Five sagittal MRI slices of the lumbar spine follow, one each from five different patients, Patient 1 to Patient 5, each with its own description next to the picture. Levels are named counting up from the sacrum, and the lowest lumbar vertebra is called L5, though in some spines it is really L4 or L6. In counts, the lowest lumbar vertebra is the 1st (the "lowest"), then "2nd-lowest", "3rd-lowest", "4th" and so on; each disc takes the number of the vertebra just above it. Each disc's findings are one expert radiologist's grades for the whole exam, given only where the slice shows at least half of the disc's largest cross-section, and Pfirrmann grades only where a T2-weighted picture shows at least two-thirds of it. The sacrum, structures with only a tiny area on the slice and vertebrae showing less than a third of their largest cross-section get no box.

Patient 1 of 5:
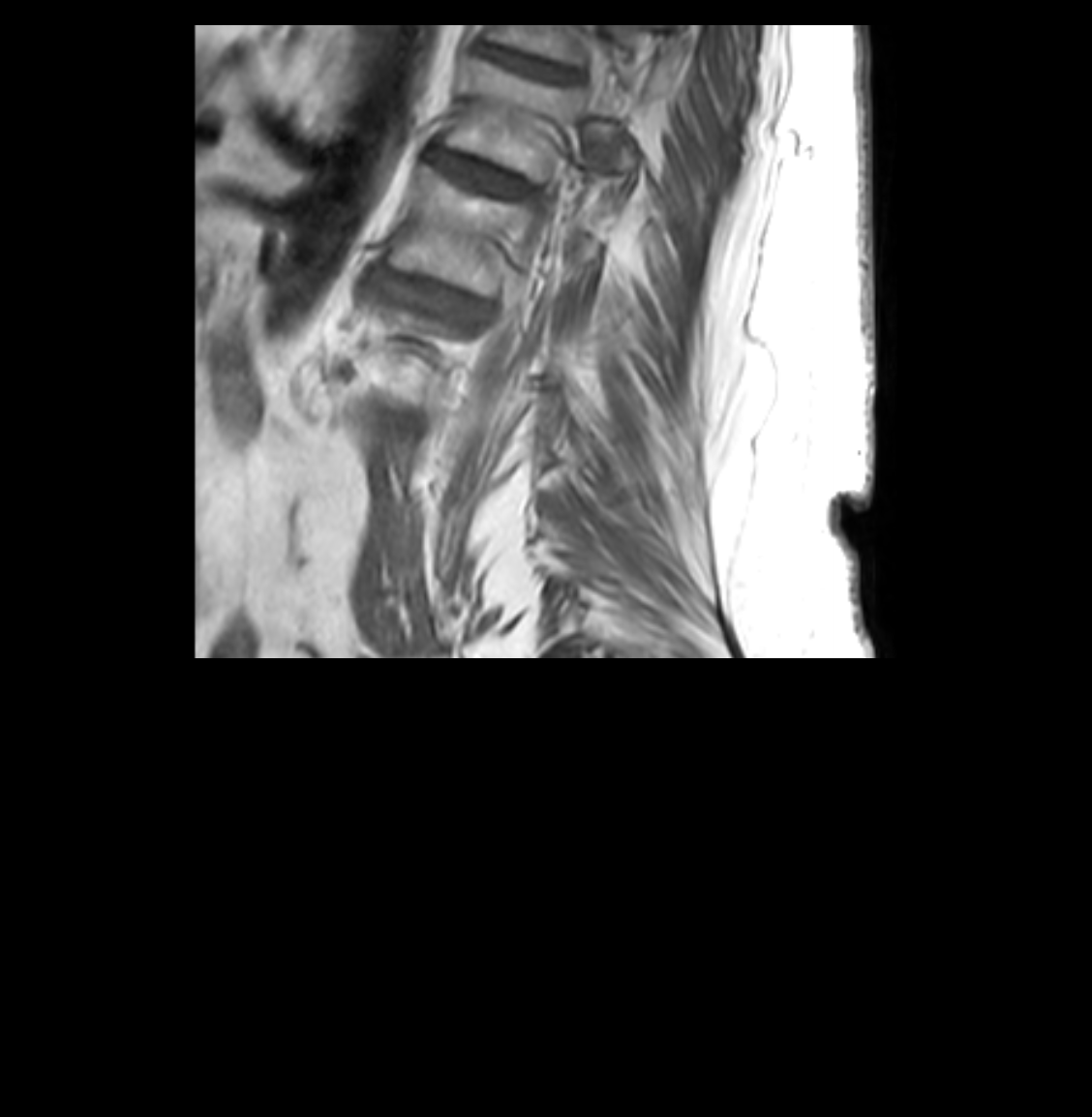
Sex F; Field of view 280x286 mm, slice spacing 3.3 mm; Sagittal T1-weighted lumbar spine MRI

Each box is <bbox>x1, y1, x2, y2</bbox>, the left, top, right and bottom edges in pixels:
T11: <bbox>488, 26, 587, 65</bbox> | T12/L1: <bbox>432, 150, 523, 196</bbox> | L1: <bbox>387, 166, 593, 294</bbox> | T11/T12: <bbox>483, 45, 569, 79</bbox> | L1/L2: <bbox>373, 272, 465, 305</bbox> | T12: <bbox>443, 58, 611, 180</bbox>

Radiological gradings:
• T12/L1: disc narrowing, disc bulging
• T11/T12: disc narrowing
• L1/L2: upper-endplate change, disc narrowing, lower-endplate change, disc bulging

Patient 2 of 5:
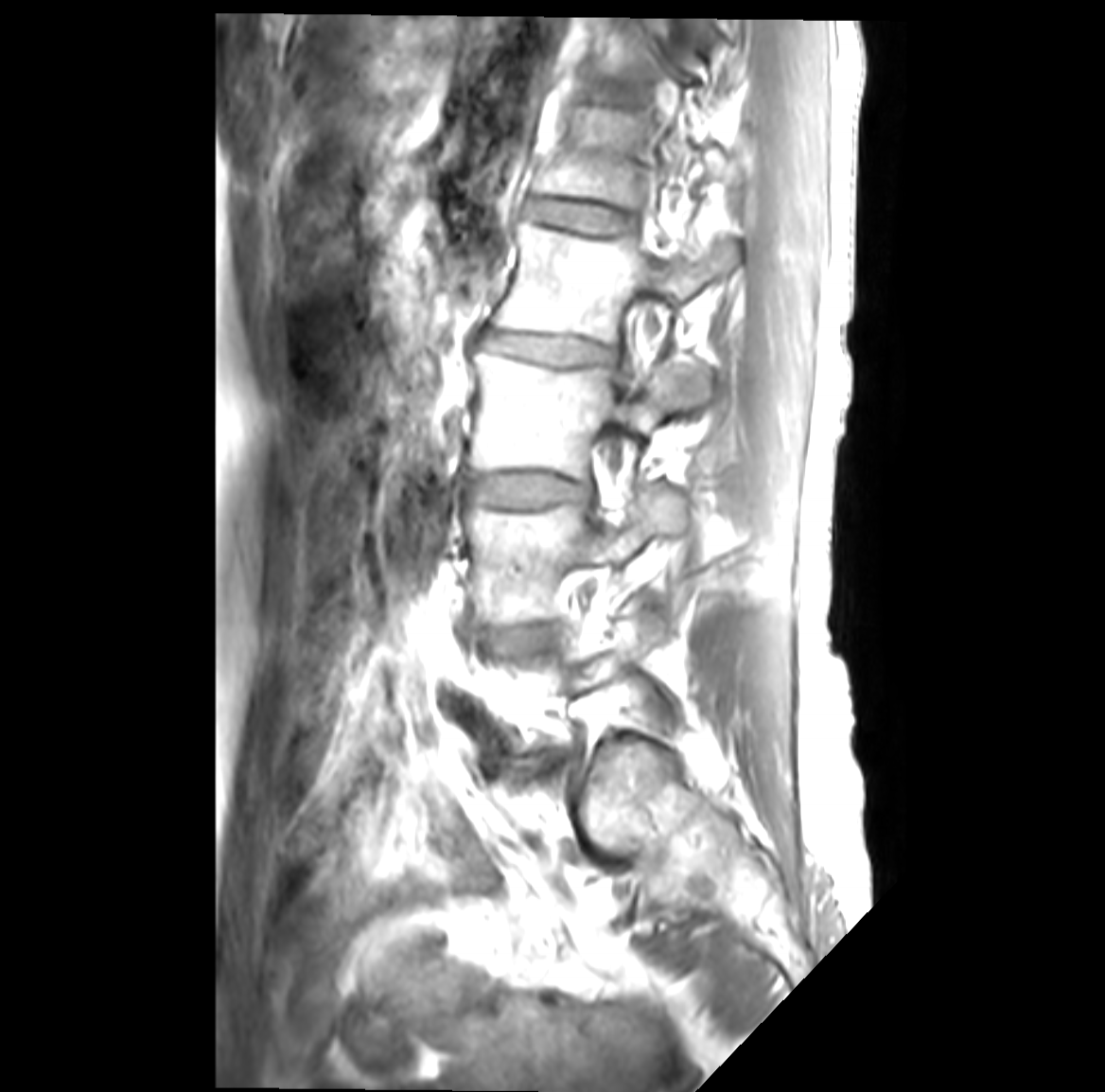

Lumbar spine MR, T1-weighted, sagittal.

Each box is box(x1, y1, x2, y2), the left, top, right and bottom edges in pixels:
L3/L4 at box(465, 474, 590, 507); L1 vertebra at box(534, 107, 729, 212); disc L1/L2 at box(524, 198, 631, 235); L4 at box(465, 485, 684, 625); L3 vertebra at box(466, 353, 718, 478); L2 vertebra at box(492, 222, 737, 343); disc T12/L1 at box(587, 83, 627, 104); disc L4/L5 at box(492, 629, 539, 645); L2/L3 at box(482, 329, 611, 363).

Expert MSK radiologist gradings (per disc):
• L2/L3: Modic type II, disc narrowing, disc bulging
• L3/L4: Modic type II, disc bulging
• L1/L2: no herniation, bulging, narrowing, spondylolisthesis, endplate or Modic change recorded

Patient 3 of 5:
Field of view 240x300 mm, slice spacing 0.9 mm | Image 512x640 | T2 SPACE (3D) sagittal MRI of the lumbar spine

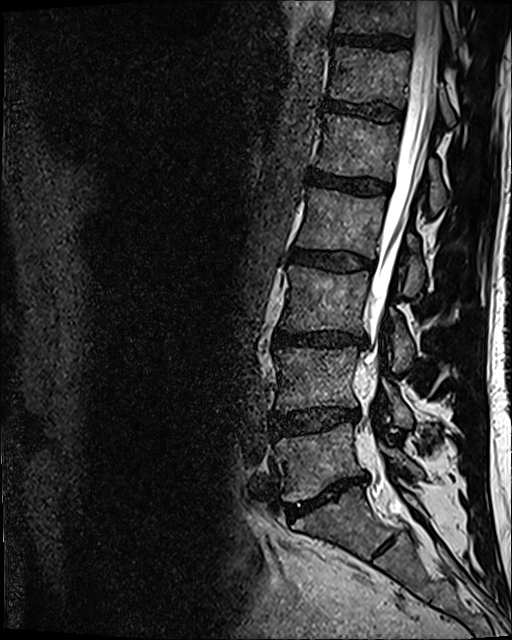
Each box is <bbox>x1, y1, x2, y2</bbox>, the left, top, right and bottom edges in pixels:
IVD L3/L4 (3rd-lowest disc) — <bbox>275, 331, 365, 346</bbox>.
IVD L2/L3 (4th disc) — <bbox>292, 249, 373, 271</bbox>.
T11/T12 (7th disc) — <bbox>331, 34, 408, 50</bbox>.
T12 (6th vertebra) — <bbox>330, 46, 454, 126</bbox>.
L5/S1 (lowest disc) — <bbox>287, 476, 365, 519</bbox>.
Thecal sac / spinal canal — <bbox>365, 1, 439, 505</bbox>.
L2 (4th vertebra) — <bbox>297, 188, 424, 297</bbox>.
IVD L1/L2 (5th disc) — <bbox>307, 170, 390, 194</bbox>.
IVD L4/L5 (2nd-lowest disc) — <bbox>273, 407, 359, 434</bbox>.
L4 (2nd-lowest vertebra) — <bbox>275, 347, 411, 426</bbox>.
T11 (7th vertebra) — <bbox>334, 0, 458, 54</bbox>.
L5 (lowest vertebra) — <bbox>276, 423, 423, 502</bbox>.
L1 (5th vertebra) — <bbox>317, 113, 445, 212</bbox>.
L3 (3rd-lowest vertebra) — <bbox>282, 265, 414, 371</bbox>.
T12/L1 (6th disc) — <bbox>326, 101, 403, 120</bbox>.

Radiological gradings:
  T12/L1 (6th disc): Pfirrmann grade 3
  L2/L3 (4th disc): Pfirrmann grade 3, disc bulging
  L4/L5 (2nd-lowest disc): Pfirrmann grade 3, disc bulging, disc narrowing
  T11/T12 (7th disc): Pfirrmann grade 4
  L5/S1 (lowest disc): Pfirrmann grade 5, disc bulging, Modic type II, disc narrowing
  L3/L4 (3rd-lowest disc): Pfirrmann grade 4, disc bulging, disc narrowing, lower-endplate change
  L1/L2 (5th disc): Pfirrmann grade 4

Patient 4 of 5:
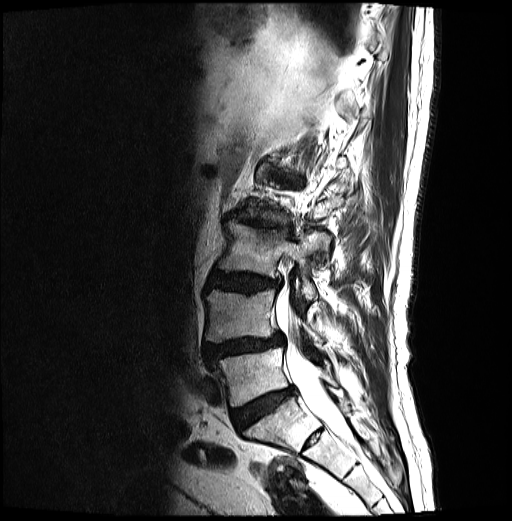
Patient sex: M | Sagittal T2-weighted lumbar spine MRI
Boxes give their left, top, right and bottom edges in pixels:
IVD L2/L3: left=231, top=214, right=291, bottom=236 | IVD L3/L4: left=208, top=273, right=280, bottom=293 | IVD L5/S1: left=231, top=388, right=293, bottom=429 | L3: left=216, top=221, right=329, bottom=300 | L4 vertebra: left=205, top=290, right=323, bottom=343 | L5: left=214, top=348, right=337, bottom=406 | spinal canal: left=275, top=290, right=349, bottom=439 | L4/L5: left=205, top=334, right=283, bottom=364

Radiological gradings:
- L4/L5: Pfirrmann grade 4, lower-endplate change, disc bulging, upper-endplate change, disc narrowing, disc herniation, spondylolisthesis, Modic type II
- L3/L4: Pfirrmann grade 4, lower-endplate change, disc bulging, upper-endplate change
- L5/S1: Pfirrmann grade 4

Patient 5 of 5:
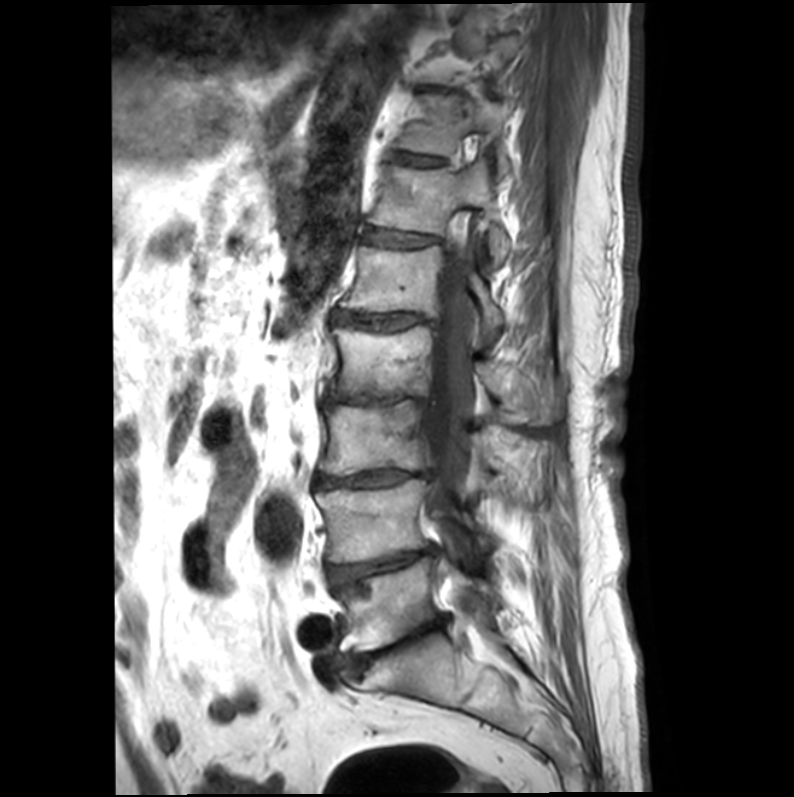 Sagittal T1-weighted lumbar spine MRI.

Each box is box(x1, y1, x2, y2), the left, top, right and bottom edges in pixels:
{"3rd-lowest disc": "box(314, 469, 427, 488)", "6th disc": "box(366, 230, 436, 247)", "6th vertebra": "box(369, 160, 510, 264)", "4th vertebra": "box(327, 326, 553, 422)", "2nd-lowest vertebra": "box(315, 478, 488, 563)", "7th disc": "box(395, 154, 441, 166)", "5th disc": "box(333, 312, 423, 330)", "2nd-lowest disc": "box(327, 546, 437, 589)", "3rd-lowest vertebra": "box(319, 401, 501, 476)", "thecal sac / spinal canal": "box(419, 230, 476, 529)", "5th vertebra": "box(340, 225, 504, 339)", "lowest vertebra": "box(338, 557, 499, 651)", "lowest disc": "box(346, 620, 441, 671)", "7th vertebra": "box(396, 96, 511, 172)", "4th disc": "box(325, 393, 427, 406)"}

Radiological gradings:
- 3rd-lowest disc: disc bulging, disc narrowing, lower-endplate change, upper-endplate change, Modic type II
- 4th disc: disc bulging, Modic type II, upper-endplate change, disc narrowing, lower-endplate change
- lowest disc: lower-endplate change, disc bulging, disc narrowing, Modic type II, upper-endplate change
- 2nd-lowest disc: lower-endplate change, disc narrowing, Modic type II, upper-endplate change, disc bulging
- 5th disc: upper-endplate change, Modic type II, disc bulging, disc narrowing, lower-endplate change
- 6th disc: no herniation, bulging, narrowing, spondylolisthesis, endplate or Modic change recorded